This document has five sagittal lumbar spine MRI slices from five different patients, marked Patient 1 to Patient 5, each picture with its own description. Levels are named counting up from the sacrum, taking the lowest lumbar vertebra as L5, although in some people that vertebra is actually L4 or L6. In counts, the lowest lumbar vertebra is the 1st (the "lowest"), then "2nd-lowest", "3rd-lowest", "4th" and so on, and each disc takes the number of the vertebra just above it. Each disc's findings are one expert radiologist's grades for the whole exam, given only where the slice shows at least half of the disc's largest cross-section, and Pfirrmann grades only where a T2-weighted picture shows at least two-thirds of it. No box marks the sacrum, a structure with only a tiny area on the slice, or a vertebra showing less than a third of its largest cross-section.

Patient 1 of 5:
MRI lumbar spine (T1-weighted), sagittal plane | Field of view 280x282 mm, slice spacing 3.3 mm

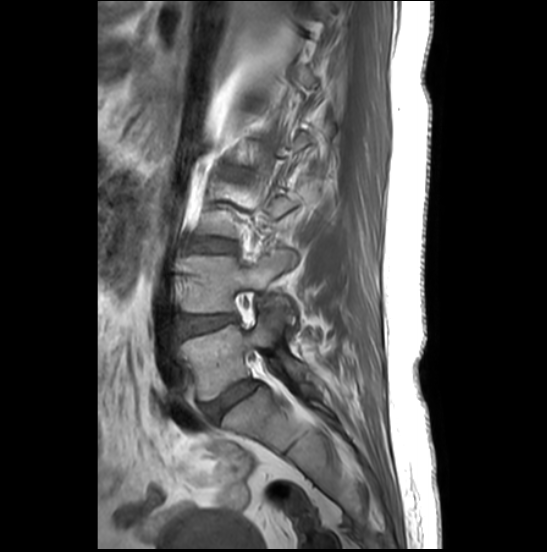 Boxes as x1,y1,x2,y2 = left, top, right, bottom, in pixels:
{"lowest disc": "203,380,257,419", "3rd-lowest disc": "186,239,235,251", "2nd-lowest disc": "180,314,236,335", "2nd-lowest vertebra": "177,248,296,327", "lowest vertebra": "180,312,303,400"}

Degenerative findings by level:
  lowest disc: disc bulging
  2nd-lowest disc: disc bulging
  3rd-lowest disc: disc bulging

Patient 2 of 5:
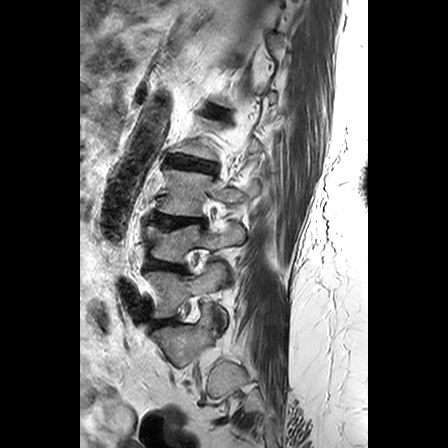

MRI lumbar spine (T2-weighted), sagittal plane.
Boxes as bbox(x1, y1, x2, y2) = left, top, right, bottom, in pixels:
Structures:
• L4 vertebra: bbox(143, 222, 245, 262)
• intervertebral disc L2/L3: bbox(167, 155, 216, 172)
• L5: bbox(145, 262, 227, 326)
• intervertebral disc L4/L5: bbox(146, 258, 184, 272)
• L3 vertebra: bbox(158, 168, 259, 216)
• L3/L4: bbox(151, 214, 205, 227)
• intervertebral disc L5/S1: bbox(153, 320, 170, 326)
• intervertebral disc L1/L2: bbox(211, 108, 224, 116)

Expert MSK radiologist gradings (per disc):
  L3/L4: lower-endplate change, upper-endplate change, disc bulging
  L2/L3: Pfirrmann grade 3, lower-endplate change, upper-endplate change

Patient 3 of 5:
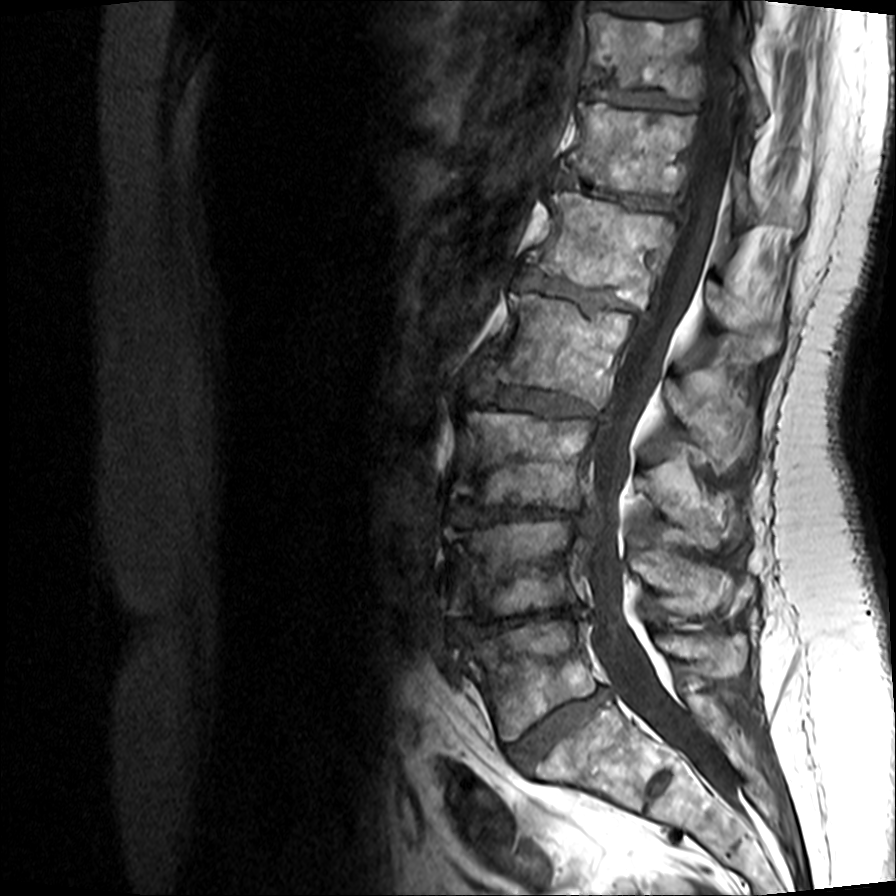 Sagittal slice index 7 | Image 896x896 | Lumbar spine MR, T1-weighted, sagittal
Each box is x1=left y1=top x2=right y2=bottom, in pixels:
6th disc = x1=557 y1=173 x2=675 y2=211.
3rd-lowest vertebra = x1=453 y1=408 x2=739 y2=548.
3rd-lowest disc = x1=446 y1=500 x2=597 y2=534.
2nd-lowest disc = x1=449 y1=604 x2=593 y2=644.
7th disc = x1=582 y1=83 x2=695 y2=111.
Spinal canal = x1=584 y1=0 x2=740 y2=794.
2nd-lowest vertebra = x1=444 y1=520 x2=733 y2=615.
Lowest vertebra = x1=465 y1=620 x2=749 y2=740.
Lowest disc = x1=507 y1=689 x2=608 y2=769.
4th vertebra = x1=482 y1=293 x2=756 y2=465.
4th disc = x1=469 y1=375 x2=602 y2=419.
5th vertebra = x1=528 y1=191 x2=781 y2=359.
5th disc = x1=517 y1=268 x2=649 y2=316.
7th vertebra = x1=586 y1=10 x2=769 y2=121.
6th vertebra = x1=569 y1=102 x2=804 y2=226.

Expert MSK radiologist gradings (per disc):
  3rd-lowest disc: disc herniation, lower-endplate change, upper-endplate change, disc narrowing, Modic type II
  6th disc: upper-endplate change, disc bulging, disc narrowing, lower-endplate change, Modic type II
  7th disc: upper-endplate change, disc narrowing, lower-endplate change, Modic type II
  5th disc: disc bulging, upper-endplate change, disc narrowing, Modic type II, lower-endplate change
  lowest disc: upper-endplate change, disc bulging, Modic type II, lower-endplate change, disc narrowing
  2nd-lowest disc: disc herniation, upper-endplate change, lower-endplate change, Modic type II, disc narrowing
  4th disc: lower-endplate change, Modic type II, disc bulging, disc narrowing, upper-endplate change

Patient 4 of 5:
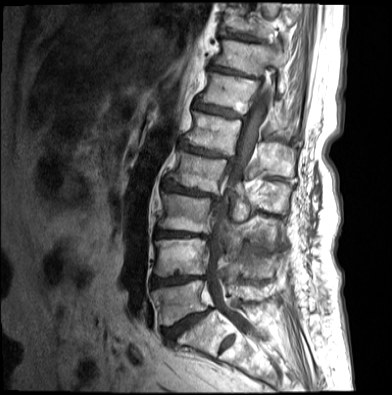

Lumbar spine MR, T1-weighted, sagittal | Sex F | Slice spacing 4.4 mm | Image 392x395
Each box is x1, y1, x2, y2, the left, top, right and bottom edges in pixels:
Annotations:
* L3/L4 = 154, 229, 209, 239
* T12/L1 = 194, 100, 242, 116
* disc L4/L5 = 151, 276, 205, 286
* disc T11/T12 = 209, 65, 251, 76
* L1 = 185, 110, 294, 176
* L2 = 167, 149, 287, 220
* thecal sac / spinal canal = 207, 87, 269, 333
* T11 = 214, 40, 289, 89
* L5 = 151, 280, 275, 325
* disc L2/L3 = 162, 179, 217, 200
* L4 vertebra = 154, 237, 277, 277
* T10/T11 = 224, 33, 258, 41
* T12 = 200, 72, 279, 131
* disc L5/S1 = 162, 309, 209, 341
* L3 vertebra = 158, 191, 280, 250
* L1/L2 = 180, 139, 231, 162
* T10 = 223, 4, 297, 37

Radiological gradings:
• L1/L2: Modic type II, disc narrowing, lower-endplate change, disc bulging, upper-endplate change
• T12/L1: disc narrowing, Modic type II, lower-endplate change, disc bulging, upper-endplate change
• L4/L5: lower-endplate change, disc bulging, upper-endplate change, Modic type II, disc narrowing
• L5/S1: disc narrowing, spondylolisthesis, disc bulging, Modic type II
• L3/L4: disc bulging, disc narrowing, lower-endplate change, upper-endplate change, Modic type II
• T11/T12: Modic type II, disc bulging, disc narrowing
• T10/T11: Modic type II
• L2/L3: disc herniation, disc bulging, disc narrowing, upper-endplate change, Modic type II, lower-endplate change

Patient 5 of 5:
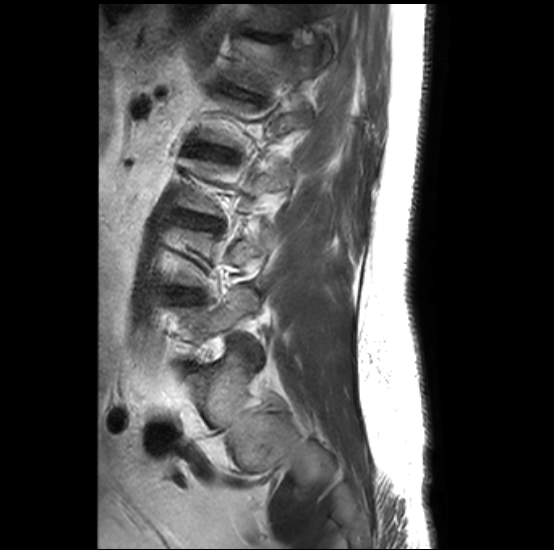 MRI lumbar spine (T2-weighted), sagittal plane, Sex M, 554x550 px, Slice 24 of 32

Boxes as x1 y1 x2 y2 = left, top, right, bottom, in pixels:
{"6th vertebra": "245 3 331 57", "3rd-lowest disc": "181 214 223 228", "5th disc": "224 83 252 98", "6th disc": "245 30 287 41", "5th vertebra": "225 37 318 91", "4th disc": "188 143 236 158", "2nd-lowest disc": "180 293 195 302", "lowest vertebra": "178 287 260 361"}